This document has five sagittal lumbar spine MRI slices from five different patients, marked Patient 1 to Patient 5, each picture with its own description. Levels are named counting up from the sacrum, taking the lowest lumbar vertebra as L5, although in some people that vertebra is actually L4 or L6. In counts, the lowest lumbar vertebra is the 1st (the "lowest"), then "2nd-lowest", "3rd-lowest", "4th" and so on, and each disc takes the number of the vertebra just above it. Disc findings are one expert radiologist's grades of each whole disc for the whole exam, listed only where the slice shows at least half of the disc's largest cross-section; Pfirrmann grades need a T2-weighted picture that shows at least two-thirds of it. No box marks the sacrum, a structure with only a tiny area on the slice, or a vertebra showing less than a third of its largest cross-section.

Patient 1 of 5:
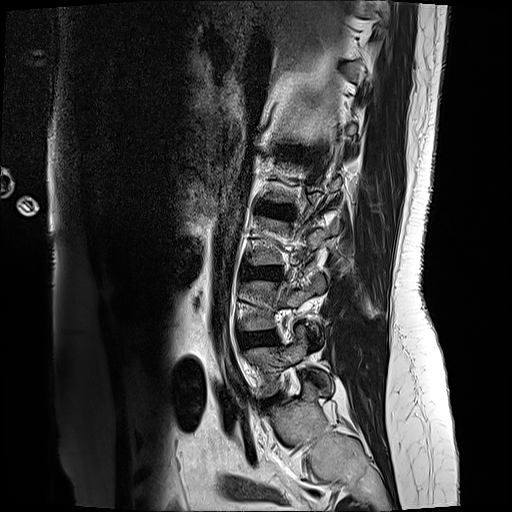 Lumbar spine MR, T2-weighted, sagittal, Sagittal slice index 15

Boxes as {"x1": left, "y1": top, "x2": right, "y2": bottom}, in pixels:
L3/L4 (3rd-lowest disc) at {"x1": 244, "y1": 266, "x2": 277, "y2": 278}.
L5 (lowest vertebra) at {"x1": 250, "y1": 326, "x2": 331, "y2": 394}.
L4/L5 (2nd-lowest disc) at {"x1": 241, "y1": 331, "x2": 275, "y2": 345}.
IVD L2/L3 (4th disc) at {"x1": 258, "y1": 203, "x2": 289, "y2": 217}.

Degenerative findings by level:
- L2/L3 (4th disc): upper-endplate change, disc bulging, lower-endplate change

Patient 2 of 5:
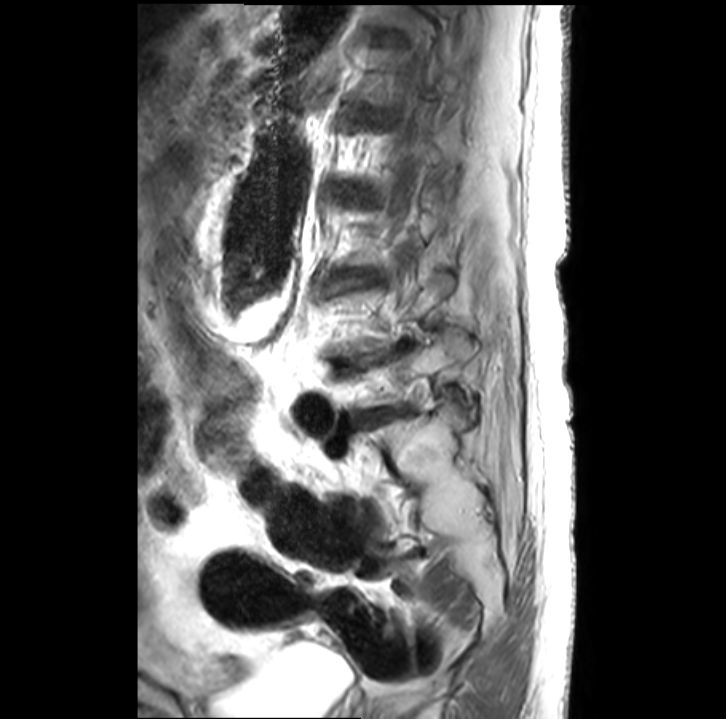
Sagittal T2-weighted lumbar spine MRI
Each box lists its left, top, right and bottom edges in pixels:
Structures:
* L5/S1: left=371, top=411, right=393, bottom=421
* L4/L5: left=350, top=341, right=407, bottom=366
* L5: left=365, top=332, right=475, bottom=418
* L3/L4: left=333, top=277, right=364, bottom=289

Patient 3 of 5:
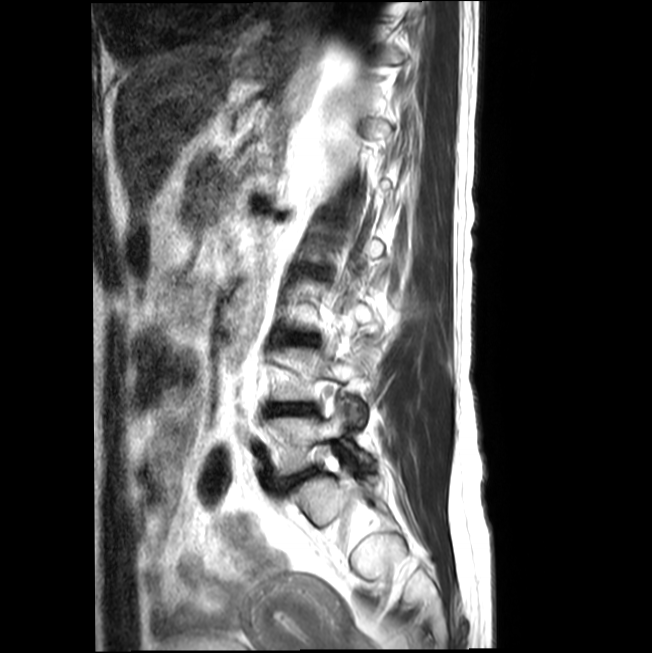 652x653 px | Slice spacing 4.4 mm | MRI lumbar spine (T2-weighted), sagittal plane

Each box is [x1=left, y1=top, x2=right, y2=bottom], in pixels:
IVD L3/L4 at [x1=288, y1=335, x2=312, y2=342], L5/S1 at [x1=286, y1=469, x2=316, y2=485], L4 at [x1=272, y1=340, x2=377, y2=420], IVD L4/L5 at [x1=268, y1=404, x2=315, y2=413], L5 at [x1=268, y1=405, x2=369, y2=474].

Expert MSK radiologist gradings (per disc):
- L4/L5: disc narrowing, disc herniation

Patient 4 of 5:
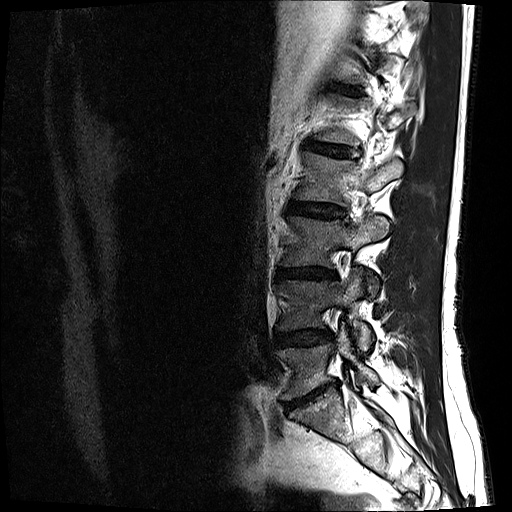
Image 512x512 | Slice spacing 3.3 mm | Lumbar spine MR, T2-weighted, sagittal

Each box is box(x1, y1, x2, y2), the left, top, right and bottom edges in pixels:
L2: box(296, 150, 404, 205) | L5/S1: box(284, 382, 338, 410) | L3: box(283, 216, 389, 268) | L1/L2: box(306, 140, 350, 157) | L2/L3: box(289, 201, 344, 218) | L4/L5: box(275, 330, 330, 346) | L3/L4: box(277, 267, 336, 279) | L5: box(277, 324, 378, 400) | L4 vertebra: box(279, 269, 372, 350)

Degenerative findings by level:
  L4/L5: Pfirrmann grade 3, disc narrowing, disc bulging
  L2/L3: Pfirrmann grade 3, disc bulging
  L3/L4: Pfirrmann grade 4, disc narrowing, lower-endplate change, disc bulging
  L5/S1: Modic type II, disc bulging, disc narrowing
  L1/L2: Pfirrmann grade 4

Patient 5 of 5:
SIEMENS Avanto_fit (1.5T), MRI lumbar spine (T1-weighted), sagittal plane, Slice spacing 3.2 mm 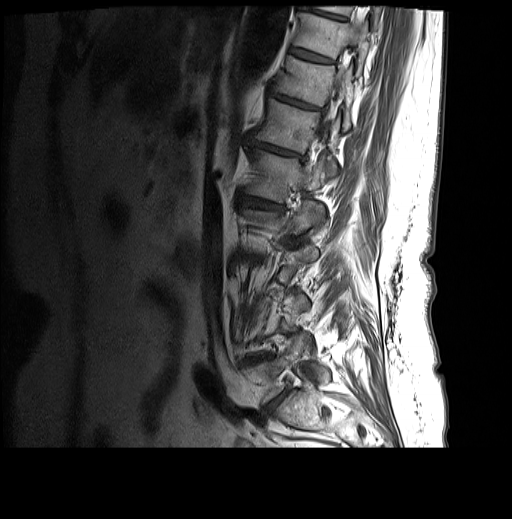
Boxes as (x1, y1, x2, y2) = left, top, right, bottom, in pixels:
Segmented structures:
* 5th vertebra: (246, 150, 332, 202)
* 6th disc: (252, 141, 300, 156)
* 9th disc: (299, 3, 345, 19)
* 9th vertebra: (315, 6, 382, 27)
* lowest disc: (265, 388, 289, 415)
* 8th disc: (290, 47, 331, 62)
* 7th disc: (269, 90, 318, 110)
* 5th disc: (241, 197, 280, 208)
* 6th vertebra: (253, 99, 340, 174)
* 7th vertebra: (272, 55, 354, 129)
* spinal canal: (317, 74, 341, 136)
* 8th vertebra: (294, 12, 370, 75)
* lowest vertebra: (243, 334, 330, 403)

Radiological gradings:
- 8th disc: Modic type II, lower-endplate change, upper-endplate change
- 7th disc: lower-endplate change, disc bulging, Modic type II, upper-endplate change, disc narrowing
- 9th disc: lower-endplate change, upper-endplate change, Modic type II, disc bulging
- 5th disc: disc narrowing, lower-endplate change, disc bulging, upper-endplate change, Modic type II
- 6th disc: disc bulging, upper-endplate change, lower-endplate change, Modic type II, disc narrowing